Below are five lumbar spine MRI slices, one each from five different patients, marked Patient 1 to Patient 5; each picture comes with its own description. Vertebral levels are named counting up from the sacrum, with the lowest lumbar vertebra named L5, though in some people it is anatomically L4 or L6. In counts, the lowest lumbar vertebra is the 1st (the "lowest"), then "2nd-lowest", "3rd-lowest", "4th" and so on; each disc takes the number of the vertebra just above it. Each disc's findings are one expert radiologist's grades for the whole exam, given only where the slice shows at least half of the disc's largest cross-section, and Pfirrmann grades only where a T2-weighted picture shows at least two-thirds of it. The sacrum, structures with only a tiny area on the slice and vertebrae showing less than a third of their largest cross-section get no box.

Patient 1 of 5:
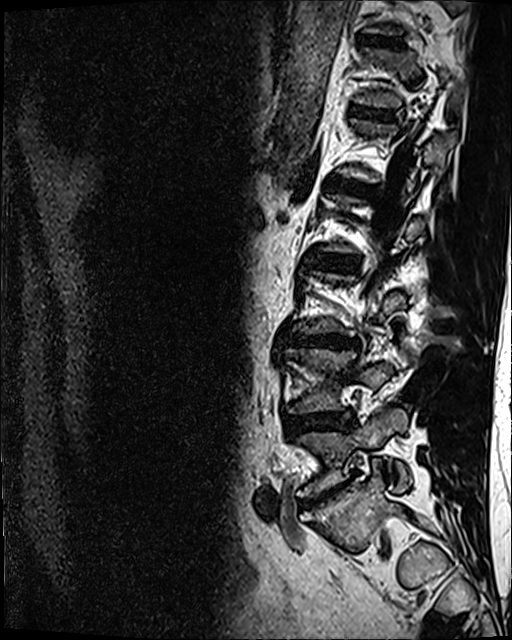 Patient sex: M, Lumbar spine MR, T2 SPACE (3D), sagittal
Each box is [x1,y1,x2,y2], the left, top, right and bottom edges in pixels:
Lowest disc at [300,484,345,506], lowest vertebra at [297,408,409,496], 2nd-lowest vertebra at [286,348,392,413], 4th disc at [311,255,358,270], 7th disc at [357,35,402,48], 3rd-lowest disc at [288,335,356,348], 6th disc at [354,108,393,119], 2nd-lowest disc at [287,412,353,432], 5th disc at [330,178,374,195].

Per-level radiological findings:
  3rd-lowest disc: Pfirrmann grade 4, disc narrowing, lower-endplate change, disc bulging
  2nd-lowest disc: disc bulging, disc narrowing

Patient 2 of 5:
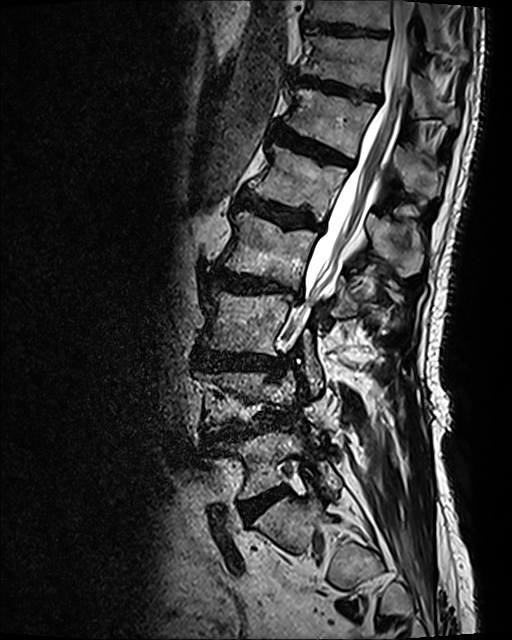
Image 512x640. MRI lumbar spine (T2 SPACE (3D)), sagittal plane. Sagittal slice index 80.
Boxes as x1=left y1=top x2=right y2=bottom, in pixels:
Disc T11/T12 (7th disc) at x1=292 y1=69 x2=380 y2=101, L2 (4th vertebra) at x1=222 y1=211 x2=403 y2=327, disc T12/L1 (6th disc) at x1=275 y1=125 x2=351 y2=165, L2/L3 (4th disc) at x1=211 y1=266 x2=299 y2=296, disc L4/L5 (2nd-lowest disc) at x1=209 y1=424 x2=255 y2=438, disc T10/T11 (8th disc) at x1=305 y1=22 x2=389 y2=39, thecal sac / spinal canal at x1=291 y1=1 x2=414 y2=332, L1/L2 (5th disc) at x1=240 y1=194 x2=317 y2=229, disc L3/L4 (3rd-lowest disc) at x1=193 y1=348 x2=284 y2=373, L1 (5th vertebra) at x1=249 y1=144 x2=423 y2=277, L3 (3rd-lowest vertebra) at x1=201 y1=289 x2=323 y2=394, T11 (7th vertebra) at x1=301 y1=31 x2=457 y2=124, L5/S1 (lowest disc) at x1=240 y1=488 x2=286 y2=521, L5 (lowest vertebra) at x1=218 y1=430 x2=341 y2=498, T12 (6th vertebra) at x1=285 y1=87 x2=443 y2=197, T10 (8th vertebra) at x1=303 y1=0 x2=443 y2=48.

Degenerative findings by level:
- T12/L1 (6th disc): Pfirrmann grade 4, disc bulging, upper-endplate change, lower-endplate change, Modic type II
- L3/L4 (3rd-lowest disc): Pfirrmann grade 4, disc bulging, lower-endplate change, upper-endplate change
- L1/L2 (5th disc): Pfirrmann grade 4, upper-endplate change, Modic type II, lower-endplate change, disc bulging
- T10/T11 (8th disc): Pfirrmann grade 3
- L2/L3 (4th disc): Pfirrmann grade 4, disc bulging, disc narrowing, upper-endplate change, Modic type I, lower-endplate change
- T11/T12 (7th disc): Pfirrmann grade 4, lower-endplate change, disc bulging, upper-endplate change

Patient 3 of 5:
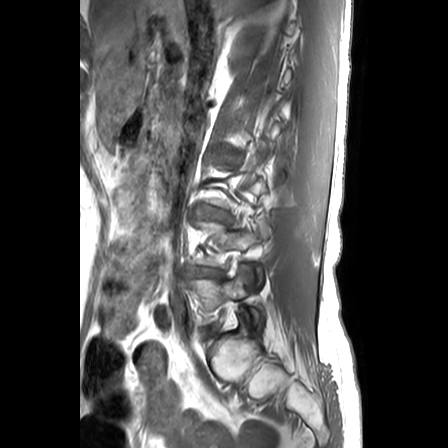 Field of view 280x280 mm, slice spacing 3.3 mm. Lumbar spine MR, T1-weighted, sagittal. Image 448x448. Patient sex: F.
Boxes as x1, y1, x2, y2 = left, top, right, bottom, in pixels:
L3/L4 at 196, 206, 230, 222; disc L4/L5 at 188, 268, 219, 276; L5 vertebra at 191, 265, 262, 332.

Expert MSK radiologist gradings (per disc):
• L3/L4: disc bulging, lower-endplate change, upper-endplate change

Patient 4 of 5:
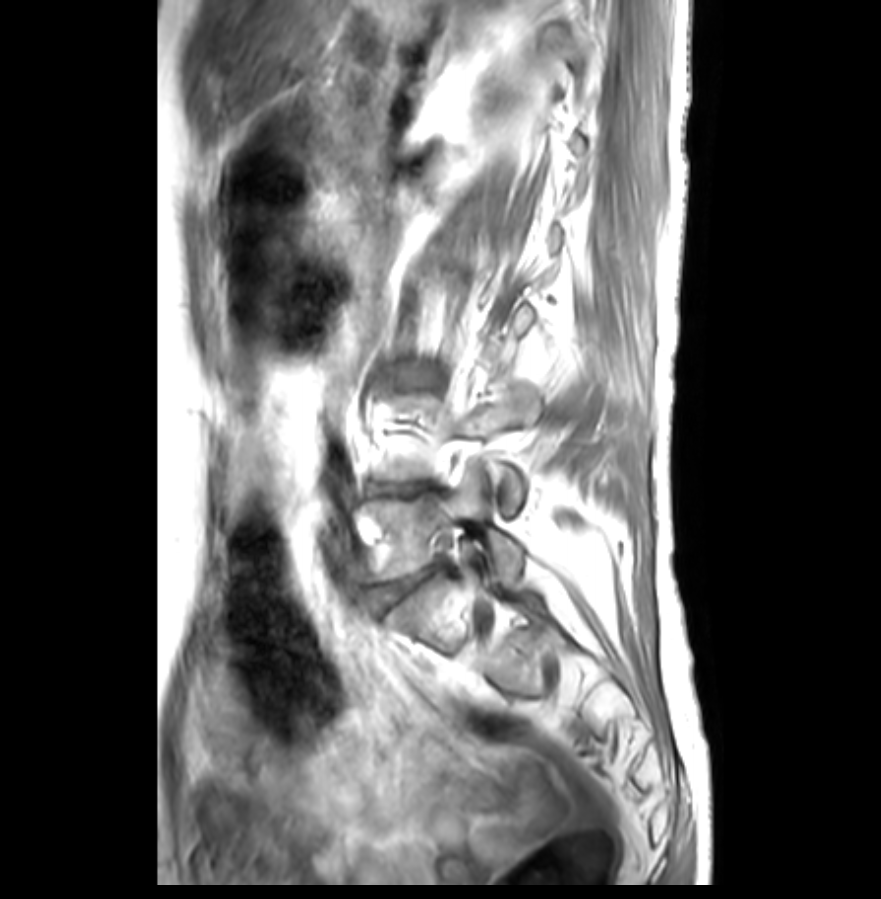

Lumbar spine MR, T1-weighted, sagittal

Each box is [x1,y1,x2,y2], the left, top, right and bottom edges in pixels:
- L5: [374,468,524,581]
- disc L3/L4: [403,365,440,387]
- L5/S1: [378,571,430,609]
- L4/L5: [376,483,430,494]

Patient 5 of 5:
Slice 11/26; T1-weighted sagittal MRI of the lumbar spine
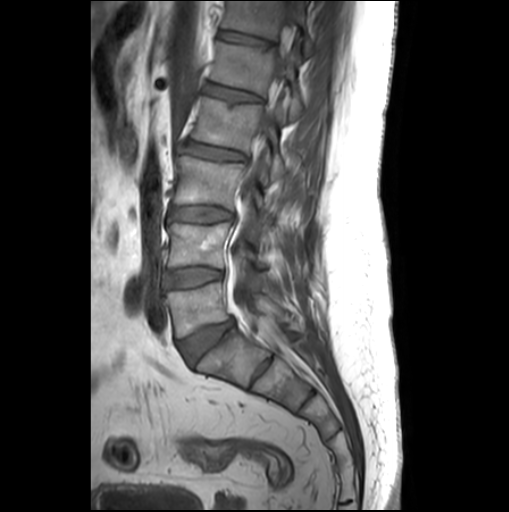 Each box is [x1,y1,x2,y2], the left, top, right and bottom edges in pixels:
- 4th disc — [183,143,245,159]
- 6th disc — [220,31,269,45]
- lowest disc — [179,319,233,363]
- 6th vertebra — [223,1,311,53]
- 5th disc — [207,83,260,100]
- 2nd-lowest disc — [165,267,222,287]
- lowest vertebra — [165,282,289,337]
- 3rd-lowest disc — [169,206,232,221]
- spinal canal — [231,1,297,321]
- 3rd-lowest vertebra — [174,156,272,231]
- 4th vertebra — [192,97,284,180]
- 2nd-lowest vertebra — [168,222,266,284]
- 5th vertebra — [212,43,302,119]

Expert MSK radiologist gradings (per disc):
  lowest disc: disc bulging
  5th disc: upper-endplate change, lower-endplate change
  4th disc: disc bulging, lower-endplate change, upper-endplate change
  6th disc, 2nd-lowest disc, 3rd-lowest disc: no herniation, bulging, narrowing, spondylolisthesis, endplate or Modic change recorded